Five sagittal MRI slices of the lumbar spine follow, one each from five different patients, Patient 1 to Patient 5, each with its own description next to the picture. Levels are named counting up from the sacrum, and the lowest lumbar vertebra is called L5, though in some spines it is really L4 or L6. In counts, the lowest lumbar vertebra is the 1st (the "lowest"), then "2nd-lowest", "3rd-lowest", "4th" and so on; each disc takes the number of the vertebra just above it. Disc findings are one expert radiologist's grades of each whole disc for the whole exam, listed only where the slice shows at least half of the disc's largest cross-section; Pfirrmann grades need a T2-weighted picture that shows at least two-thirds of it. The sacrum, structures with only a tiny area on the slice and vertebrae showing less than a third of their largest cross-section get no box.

Patient 1 of 5:
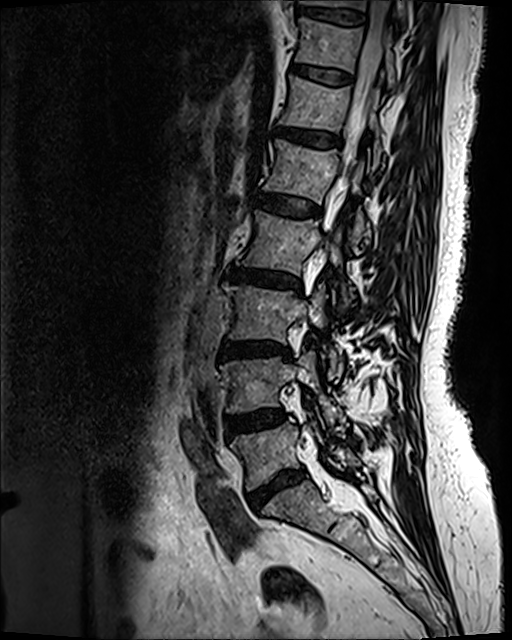 Field of view 240x300 mm; Image 512x640; Patient sex: F; Sagittal T2 SPACE (3D) lumbar spine MRI
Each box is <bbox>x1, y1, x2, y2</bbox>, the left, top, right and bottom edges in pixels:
3rd-lowest disc: <bbox>220, 341, 289, 355</bbox>
2nd-lowest vertebra: <bbox>221, 351, 337, 422</bbox>
2nd-lowest disc: <bbox>227, 410, 284, 435</bbox>
lowest disc: <bbox>250, 470, 303, 507</bbox>
7th disc: <bbox>291, 63, 351, 84</bbox>
8th disc: <bbox>297, 7, 364, 25</bbox>
4th vertebra: <bbox>241, 211, 349, 307</bbox>
3rd-lowest vertebra: <bbox>223, 284, 340, 376</bbox>
thecal sac / spinal canal: <bbox>309, 1, 392, 436</bbox>
6th disc: <bbox>275, 127, 342, 146</bbox>
8th vertebra: <bbox>303, 0, 408, 25</bbox>
7th vertebra: <bbox>296, 17, 394, 87</bbox>
5th disc: <bbox>252, 191, 320, 216</bbox>
5th vertebra: <bbox>264, 139, 370, 248</bbox>
4th disc: <bbox>226, 266, 300, 290</bbox>
6th vertebra: <bbox>279, 76, 382, 166</bbox>
lowest vertebra: <bbox>231, 422, 360, 490</bbox>

Radiological gradings:
• lowest disc: Pfirrmann grade 4, disc bulging, disc narrowing
• 2nd-lowest disc: Pfirrmann grade 3, disc bulging
• 8th disc: Pfirrmann grade 2
• 6th disc: Pfirrmann grade 3, disc bulging
• 4th disc: Pfirrmann grade 4, disc bulging, Modic type II, lower-endplate change, disc narrowing, upper-endplate change
• 5th disc: Pfirrmann grade 2
• 3rd-lowest disc: Pfirrmann grade 4, disc narrowing, disc bulging, lower-endplate change, upper-endplate change, Modic type II
• 7th disc: Pfirrmann grade 2

Patient 2 of 5:
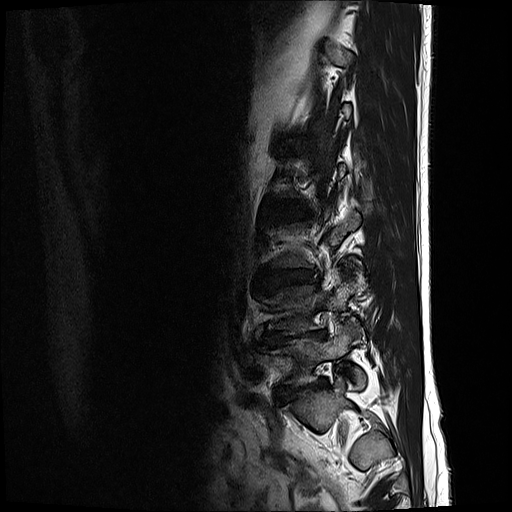 Image 512x512 | Lumbar spine MR, T2-weighted, sagittal

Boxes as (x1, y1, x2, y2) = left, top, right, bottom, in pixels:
3rd-lowest disc at (267, 268, 315, 282), lowest disc at (282, 379, 327, 396), lowest vertebra at (265, 321, 365, 386), 2nd-lowest disc at (270, 332, 323, 340).

Per-level radiological findings:
- 3rd-lowest disc: disc bulging, disc narrowing

Patient 3 of 5:
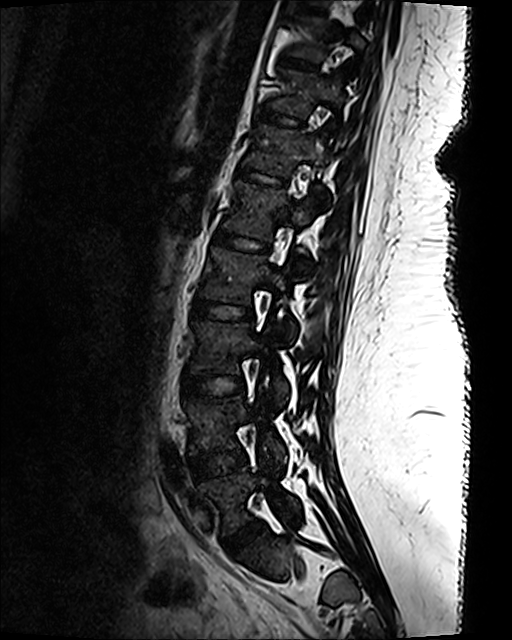 Sex F, Sagittal T2 SPACE (3D) lumbar spine MRI
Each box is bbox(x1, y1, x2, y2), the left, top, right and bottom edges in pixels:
Annotations:
* T12 vertebra — bbox(246, 124, 328, 203)
* T11 — bbox(270, 70, 345, 115)
* L2/L3 — bbox(193, 299, 252, 319)
* L1/L2 — bbox(215, 230, 267, 251)
* T11/T12 — bbox(260, 109, 302, 126)
* T10/T11 — bbox(282, 56, 317, 69)
* intervertebral disc L4/L5 — bbox(189, 449, 246, 479)
* intervertebral disc L5/S1 — bbox(224, 520, 261, 554)
* L4 — bbox(184, 396, 286, 463)
* T10 vertebra — bbox(289, 16, 365, 63)
* L3/L4 — bbox(183, 374, 244, 396)
* L3 vertebra — bbox(189, 321, 288, 404)
* L2 vertebra — bbox(201, 247, 295, 340)
* L5 — bbox(197, 461, 300, 532)
* L1 — bbox(224, 180, 318, 272)
* intervertebral disc T12/L1 — bbox(238, 168, 285, 185)

Expert MSK radiologist gradings (per disc):
• L3/L4: Pfirrmann grade 1
• T11/T12: Pfirrmann grade 1
• T12/L1: Pfirrmann grade 1
• L4/L5: Pfirrmann grade 1
• L1/L2: Pfirrmann grade 1
• L2/L3: Pfirrmann grade 1
• T10/T11: no herniation, bulging, narrowing, spondylolisthesis, endplate or Modic change recorded

Patient 4 of 5:
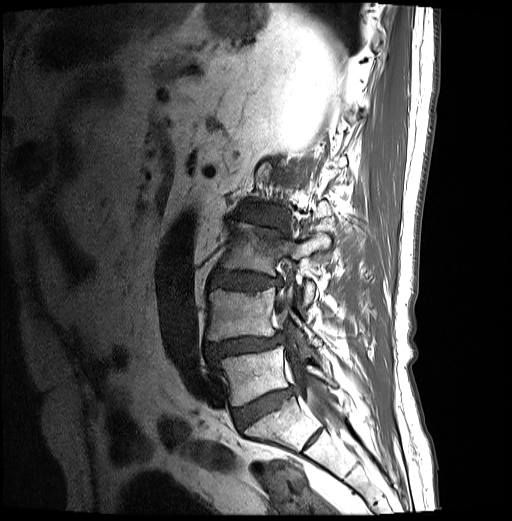

Sagittal T1-weighted lumbar spine MRI. Slice 20/30.

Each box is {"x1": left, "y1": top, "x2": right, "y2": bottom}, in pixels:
L5 (lowest vertebra): {"x1": 217, "y1": 346, "x2": 333, "y2": 405}.
L3 (3rd-lowest vertebra): {"x1": 220, "y1": 224, "x2": 330, "y2": 306}.
IVD L3/L4 (3rd-lowest disc): {"x1": 210, "y1": 271, "x2": 281, "y2": 290}.
L4 (2nd-lowest vertebra): {"x1": 207, "y1": 285, "x2": 321, "y2": 345}.
Thecal sac / spinal canal: {"x1": 275, "y1": 298, "x2": 341, "y2": 431}.
IVD L4/L5 (2nd-lowest disc): {"x1": 207, "y1": 334, "x2": 283, "y2": 360}.
IVD L5/S1 (lowest disc): {"x1": 233, "y1": 388, "x2": 291, "y2": 428}.

Radiological gradings:
- L4/L5 (2nd-lowest disc): disc narrowing, lower-endplate change, upper-endplate change, spondylolisthesis, Modic type II, disc herniation, disc bulging
- L3/L4 (3rd-lowest disc): disc bulging, lower-endplate change, upper-endplate change
- L5/S1 (lowest disc): no Modic or endplate change, herniation, narrowing, bulging or spondylolisthesis recorded

Patient 5 of 5:
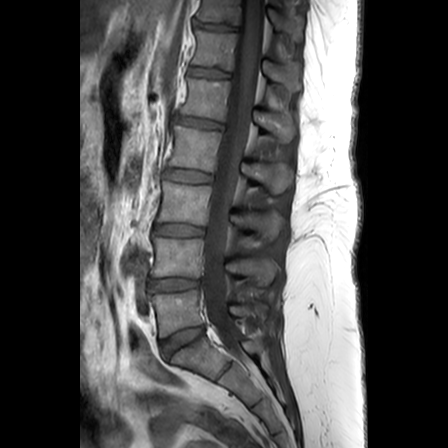 Patient sex: F, Sagittal T1-weighted lumbar spine MRI

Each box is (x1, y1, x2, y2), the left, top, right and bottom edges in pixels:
T12/L1: (190, 67, 228, 77).
Disc L5/S1: (161, 326, 203, 356).
T12 vertebra: (193, 30, 301, 90).
Disc L4/L5: (150, 278, 199, 291).
L1: (181, 78, 295, 141).
L4: (152, 235, 277, 284).
Disc L2/L3: (164, 169, 212, 182).
Disc L1/L2: (175, 115, 223, 129).
T11/T12: (196, 23, 236, 30).
Thecal sac / spinal canal: (201, 0, 263, 363).
L5 vertebra: (150, 290, 265, 336).
L3: (158, 181, 282, 239).
T11: (197, 0, 299, 36).
L2: (169, 125, 290, 192).
L3/L4: (154, 224, 203, 235).

Radiological gradings:
- L1/L2: disc bulging, Modic type II, upper-endplate change
- L4/L5: disc narrowing
- L3/L4: upper-endplate change
- T11/T12, T12/L1, L5/S1, L2/L3: no Modic or endplate change, herniation, narrowing, bulging or spondylolisthesis recorded